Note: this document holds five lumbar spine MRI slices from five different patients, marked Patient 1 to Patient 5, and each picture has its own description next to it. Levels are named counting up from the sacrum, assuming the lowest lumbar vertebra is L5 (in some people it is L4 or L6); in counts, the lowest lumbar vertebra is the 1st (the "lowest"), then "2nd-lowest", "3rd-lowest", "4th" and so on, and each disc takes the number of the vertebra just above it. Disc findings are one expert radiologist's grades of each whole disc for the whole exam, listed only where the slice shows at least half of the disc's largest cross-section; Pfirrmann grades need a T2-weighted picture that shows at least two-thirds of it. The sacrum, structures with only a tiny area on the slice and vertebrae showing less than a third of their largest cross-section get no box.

Patient 1 of 5:
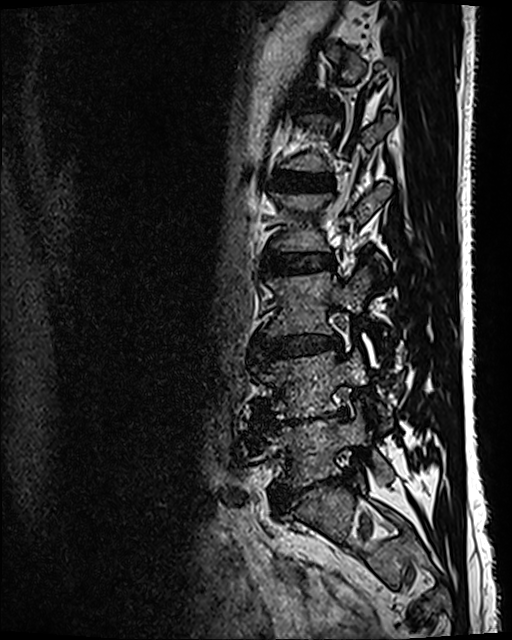 Sagittal T2 SPACE (3D) lumbar spine MRI | Patient sex: M
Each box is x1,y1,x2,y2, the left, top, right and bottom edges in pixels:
Segmented structures:
• L4/L5: 266,410,346,426
• L2: 272,183,390,251
• L3/L4: 256,335,340,362
• IVD L1/L2: 274,172,333,190
• L5: 266,412,393,486
• L3 vertebra: 263,268,371,335
• L2/L3: 264,253,333,275
• L5/S1: 275,474,348,508
• L4: 255,350,385,419

Expert MSK radiologist gradings (per disc):
- L1/L2: Pfirrmann grade 2
- L5/S1: disc bulging, spondylolisthesis, disc narrowing, lower-endplate change
- L2/L3: Pfirrmann grade 2
- L3/L4: Pfirrmann grade 3, disc bulging, disc narrowing

Patient 2 of 5:
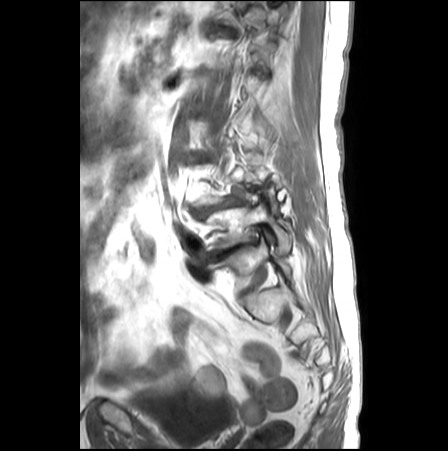
Sagittal T1-weighted lumbar spine MRI
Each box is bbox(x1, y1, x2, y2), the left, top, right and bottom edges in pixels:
Structures:
* 6th disc: bbox(212, 26, 236, 37)
* lowest vertebra: bbox(203, 202, 291, 249)
* 2nd-lowest disc: bbox(193, 193, 243, 218)
* lowest disc: bbox(206, 237, 259, 262)

Degenerative findings by level:
  2nd-lowest disc: spondylolisthesis, disc herniation, disc bulging, upper-endplate change, lower-endplate change, Modic type II, disc narrowing
  lowest disc: lower-endplate change, disc narrowing, disc bulging, disc herniation, upper-endplate change, Modic type II

Patient 3 of 5:
Sagittal T1-weighted lumbar spine MRI. Slice 14/21. Patient sex: F.

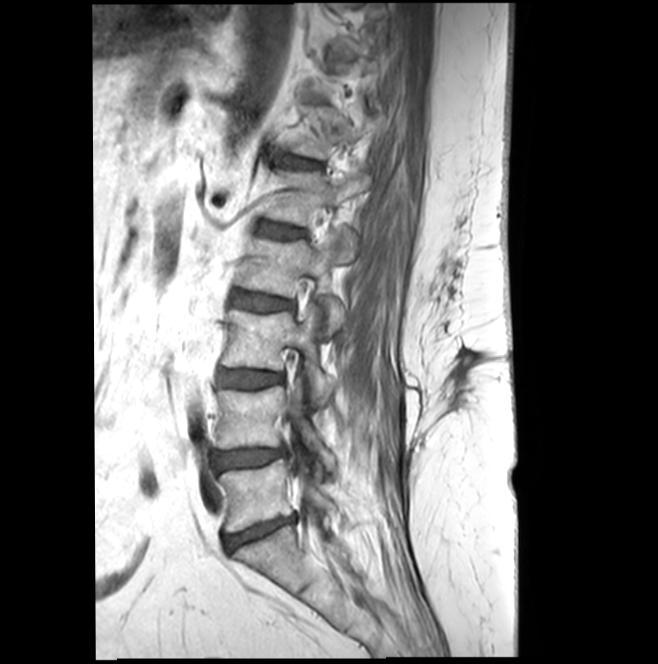 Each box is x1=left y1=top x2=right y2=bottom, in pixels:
{"L1 vertebra": "x1=264 y1=168 x2=369 y2=259", "L5/S1": "x1=224 y1=517 x2=294 y2=551", "L3/L4": "x1=218 y1=370 x2=283 y2=388", "L3 vertebra": "x1=222 y1=305 x2=332 y2=405", "L2 vertebra": "x1=237 y1=229 x2=352 y2=333", "L1/L2": "x1=258 y1=221 x2=304 y2=238", "L4/L5": "x1=214 y1=447 x2=285 y2=470", "T12/L1": "x1=281 y1=158 x2=319 y2=168", "thecal sac / spinal canal": "x1=291 y1=410 x2=318 y2=528", "T12": "x1=288 y1=103 x2=373 y2=158", "L5": "x1=219 y1=459 x2=337 y2=533", "L4": "x1=215 y1=378 x2=336 y2=469", "L2/L3": "x1=232 y1=290 x2=294 y2=311"}

Degenerative findings by level:
  L3/L4: Modic type II
  L4/L5: disc narrowing
  L5/S1: disc bulging, disc narrowing, Modic type II
  L2/L3, L1/L2: no spondylolisthesis, narrowing, bulging, herniation, Modic or endplate change recorded

Patient 4 of 5:
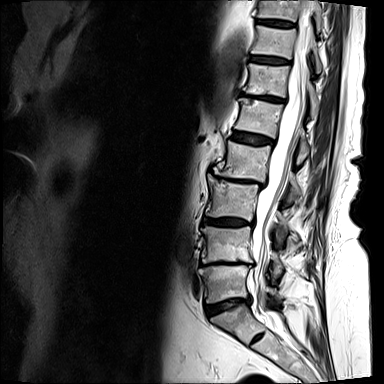

Slice spacing 4.8 mm, Lumbar spine MR, T2-weighted, sagittal

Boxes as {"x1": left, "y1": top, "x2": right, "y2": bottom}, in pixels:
2nd-lowest disc: {"x1": 201, "y1": 261, "x2": 250, "y2": 265} | 6th vertebra: {"x1": 244, "y1": 63, "x2": 318, "y2": 114} | 3rd-lowest vertebra: {"x1": 205, "y1": 174, "x2": 288, "y2": 229} | 2nd-lowest vertebra: {"x1": 201, "y1": 226, "x2": 282, "y2": 273} | 8th vertebra: {"x1": 257, "y1": 0, "x2": 323, "y2": 26} | 7th vertebra: {"x1": 251, "y1": 25, "x2": 321, "y2": 71} | 3rd-lowest disc: {"x1": 203, "y1": 218, "x2": 253, "y2": 226} | 4th disc: {"x1": 218, "y1": 177, "x2": 252, "y2": 182} | lowest disc: {"x1": 205, "y1": 297, "x2": 250, "y2": 315} | thecal sac / spinal canal: {"x1": 252, "y1": 0, "x2": 313, "y2": 337} | lowest vertebra: {"x1": 199, "y1": 265, "x2": 281, "y2": 303} | 8th disc: {"x1": 256, "y1": 20, "x2": 293, "y2": 26} | 7th disc: {"x1": 250, "y1": 56, "x2": 289, "y2": 63} | 5th disc: {"x1": 232, "y1": 132, "x2": 273, "y2": 145} | 4th vertebra: {"x1": 214, "y1": 141, "x2": 300, "y2": 200} | 6th disc: {"x1": 241, "y1": 93, "x2": 284, "y2": 101} | 5th vertebra: {"x1": 235, "y1": 98, "x2": 309, "y2": 160}

Per-level radiological findings:
- lowest disc: Pfirrmann grade 3, lower-endplate change, upper-endplate change, disc bulging, disc narrowing, Modic type II
- 5th disc: Pfirrmann grade 4, upper-endplate change, lower-endplate change, disc bulging
- 8th disc: Pfirrmann grade 4
- 7th disc: Pfirrmann grade 4
- 2nd-lowest disc: Pfirrmann grade 5, Modic type II, disc bulging, upper-endplate change, lower-endplate change, disc narrowing
- 6th disc: Pfirrmann grade 5, disc bulging, Modic type II, lower-endplate change, disc narrowing, upper-endplate change
- 4th disc: disc narrowing, disc bulging, upper-endplate change, spondylolisthesis, Modic type II, lower-endplate change
- 3rd-lowest disc: Pfirrmann grade 4, upper-endplate change, lower-endplate change, disc bulging

Patient 5 of 5:
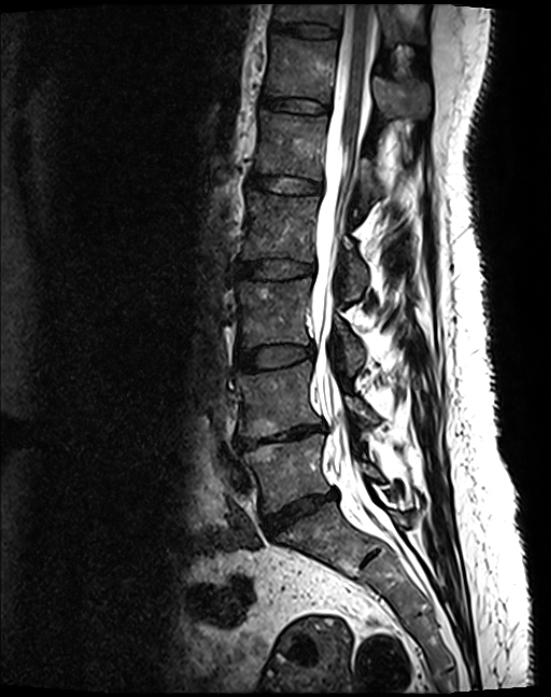 Sagittal T2 SPACE (3D) lumbar spine MRI, 551x697 px
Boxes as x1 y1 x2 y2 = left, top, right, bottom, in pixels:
Segmented structures:
- T11/T12 (7th disc): 272 22 337 37
- L1 (5th vertebra): 254 111 379 208
- L5 (lowest vertebra): 243 434 382 513
- L5/S1 (lowest disc): 263 492 337 534
- L2 (4th vertebra): 242 191 367 299
- L4 (2nd-lowest vertebra): 235 361 377 438
- T12 (6th vertebra): 265 36 430 117
- T11 (7th vertebra): 276 4 424 46
- intervertebral disc T12/L1 (6th disc): 259 96 327 112
- intervertebral disc L1/L2 (5th disc): 249 175 320 193
- intervertebral disc L2/L3 (4th disc): 237 260 312 279
- L3/L4 (3rd-lowest disc): 237 344 312 371
- spinal canal: 311 4 374 491
- L3 (3rd-lowest vertebra): 236 280 364 373
- intervertebral disc L4/L5 (2nd-lowest disc): 235 426 323 450

Degenerative findings by level:
  L5/S1 (lowest disc): Pfirrmann grade 4, disc bulging, disc narrowing
  L3/L4 (3rd-lowest disc): Pfirrmann grade 2
  T12/L1 (6th disc): Pfirrmann grade 2
  L4/L5 (2nd-lowest disc): Pfirrmann grade 5, upper-endplate change, disc narrowing, disc bulging, lower-endplate change, Modic type II
  L2/L3 (4th disc): Pfirrmann grade 2
  T11/T12 (7th disc): Pfirrmann grade 2
  L1/L2 (5th disc): Pfirrmann grade 2